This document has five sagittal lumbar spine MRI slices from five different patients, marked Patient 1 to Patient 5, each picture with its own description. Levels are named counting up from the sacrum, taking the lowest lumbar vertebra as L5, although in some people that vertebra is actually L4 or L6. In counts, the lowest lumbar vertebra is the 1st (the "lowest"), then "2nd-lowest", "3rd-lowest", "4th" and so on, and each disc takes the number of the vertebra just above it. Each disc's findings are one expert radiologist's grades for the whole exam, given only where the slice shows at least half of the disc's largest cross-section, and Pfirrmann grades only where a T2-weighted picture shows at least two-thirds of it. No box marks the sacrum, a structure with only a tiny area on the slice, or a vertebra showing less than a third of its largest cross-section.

Patient 1 of 5:
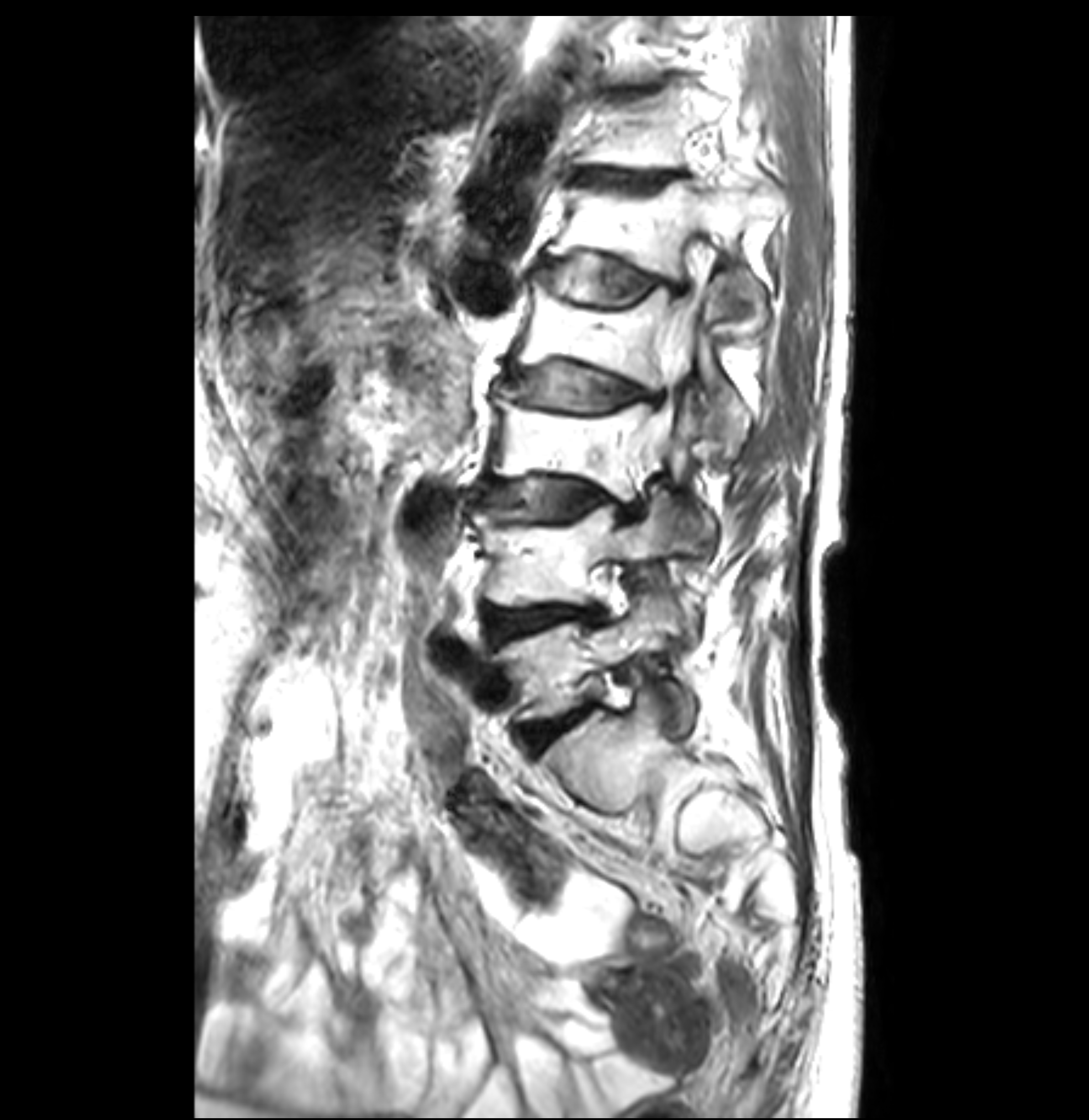
Sagittal T2-weighted lumbar spine MRI

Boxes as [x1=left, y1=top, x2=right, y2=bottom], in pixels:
thecal sac / spinal canal: [x1=635, y1=238, x2=705, y2=474]
L4: [x1=472, y1=502, x2=700, y2=647]
L3: [x1=489, y1=389, x2=714, y2=539]
L3/L4: [x1=481, y1=478, x2=642, y2=518]
IVD L2/L3: [x1=508, y1=360, x2=663, y2=407]
IVD L5/S1: [x1=525, y1=712, x2=578, y2=749]
L2: [x1=510, y1=277, x2=748, y2=449]
L5 vertebra: [x1=501, y1=595, x2=692, y2=728]
IVD L1/L2: [x1=540, y1=258, x2=688, y2=305]
T12/L1: [x1=574, y1=169, x2=673, y2=190]
T11/T12: [x1=613, y1=85, x2=656, y2=96]
IVD L4/L5: [x1=484, y1=606, x2=605, y2=637]
T12 vertebra: [x1=574, y1=87, x2=729, y2=169]
L1 vertebra: [x1=547, y1=172, x2=775, y2=337]

Radiological gradings:
• L3/L4: Pfirrmann grade 4, disc bulging, Modic type II, lower-endplate change, upper-endplate change, disc narrowing
• L2/L3: Pfirrmann grade 3, disc bulging, Modic type II, disc narrowing, upper-endplate change, lower-endplate change
• L1/L2: Pfirrmann grade 3, lower-endplate change, upper-endplate change, Modic type II, disc bulging

Patient 2 of 5:
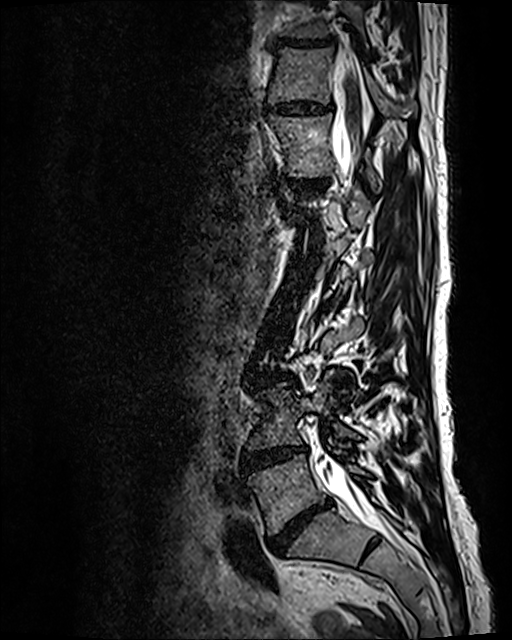 T2 SPACE (3D) sagittal MRI of the lumbar spine.
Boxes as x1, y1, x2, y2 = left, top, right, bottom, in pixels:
{"8th disc": "279, 37, 333, 46", "7th disc": "264, 100, 334, 115", "spinal canal": "314, 48, 408, 554", "6th disc": "288, 179, 325, 189", "lowest disc": "269, 503, 328, 552", "6th vertebra": "269, 114, 378, 185", "3rd-lowest disc": "252, 373, 294, 386", "2nd-lowest vertebra": "247, 371, 404, 450", "2nd-lowest disc": "241, 447, 305, 472", "lowest vertebra": "248, 454, 369, 534", "7th vertebra": "269, 47, 416, 116"}

Degenerative findings by level:
• 8th disc: disc bulging, disc narrowing
• lowest disc: Pfirrmann grade 5, disc bulging, lower-endplate change, disc narrowing, upper-endplate change, Modic type II
• 2nd-lowest disc: Pfirrmann grade 4, Modic type II, disc narrowing, disc bulging
• 7th disc: Pfirrmann grade 3, disc narrowing, disc bulging

Patient 3 of 5:
Lumbar spine MR, T2 SPACE (3D), sagittal | Sex M | Scanner: SIEMENS Avanto_fit (1.5T) | Slice 69/120 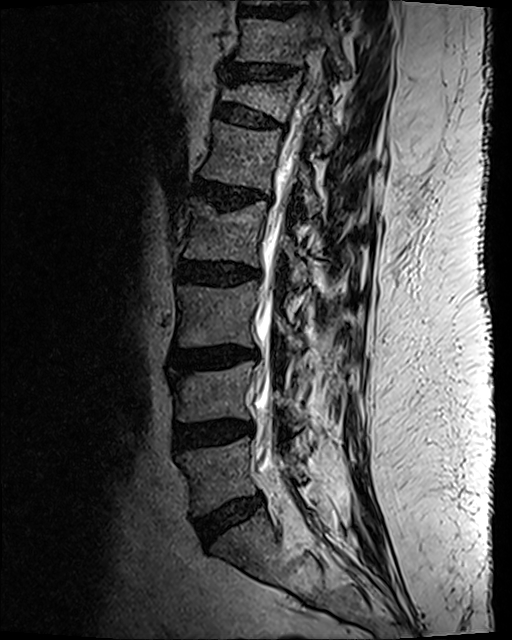
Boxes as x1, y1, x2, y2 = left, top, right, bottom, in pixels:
Annotations:
• L4/L5 at 174, 422, 251, 450
• IVD L3/L4 at 176, 349, 258, 372
• IVD T12/L1 at 214, 103, 280, 129
• IVD T10/T11 at 241, 9, 299, 19
• L4 at 176, 362, 303, 429
• L1 vertebra at 201, 121, 319, 216
• T11/T12 at 228, 65, 296, 81
• L2 at 184, 199, 309, 287
• IVD L5/S1 at 195, 494, 263, 546
• T11 vertebra at 236, 13, 348, 77
• spinal canal at 254, 47, 320, 473
• L5 vertebra at 179, 437, 303, 515
• IVD L1/L2 at 192, 180, 256, 210
• L3 at 177, 282, 303, 357
• T12 vertebra at 222, 74, 338, 151
• IVD L2/L3 at 178, 261, 259, 286

Per-level radiological findings:
  L3/L4: Pfirrmann grade 3, Modic type II, disc bulging, lower-endplate change, upper-endplate change
  L2/L3: Pfirrmann grade 3, disc bulging, lower-endplate change
  L4/L5: Pfirrmann grade 3, disc bulging, disc narrowing
  L1/L2: Pfirrmann grade 3, upper-endplate change, disc bulging, disc narrowing, lower-endplate change, Modic type II
  T11/T12: Pfirrmann grade 2, upper-endplate change, disc narrowing, lower-endplate change, disc bulging
  T12/L1: Pfirrmann grade 2, spondylolisthesis, lower-endplate change, disc bulging, upper-endplate change
  L5/S1: Pfirrmann grade 2, disc bulging

Patient 4 of 5:
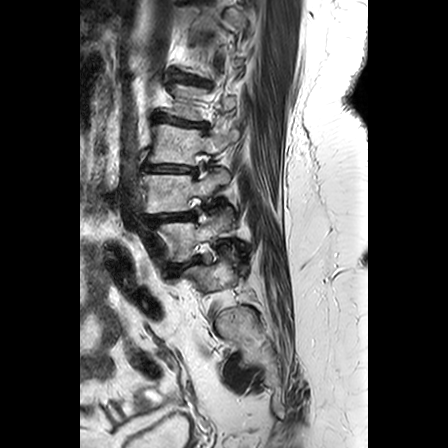 Lumbar spine MR, T2-weighted, sagittal, Slice spacing 3.3 mm, Slice 7/24, Sex F

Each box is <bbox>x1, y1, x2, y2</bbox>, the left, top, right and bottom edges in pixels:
L3/L4 at <bbox>144, 163, 196, 172</bbox>.
Disc L5/S1 at <bbox>170, 255, 199, 271</bbox>.
L3 at <bbox>149, 123, 239, 165</bbox>.
L2 at <bbox>163, 83, 235, 120</bbox>.
L5 vertebra at <bbox>159, 211, 230, 261</bbox>.
L2/L3 at <bbox>153, 113, 206, 129</bbox>.
L4 vertebra at <bbox>143, 168, 230, 213</bbox>.
L1/L2 at <bbox>170, 70, 211, 86</bbox>.
Disc L4/L5 at <bbox>149, 211, 194, 223</bbox>.

Per-level radiological findings:
  L2/L3: Pfirrmann grade 3, Modic type II, disc narrowing, lower-endplate change, disc bulging, upper-endplate change
  L3/L4: Pfirrmann grade 3, upper-endplate change, disc narrowing, disc bulging, lower-endplate change, Modic type II
  L1/L2: Pfirrmann grade 3, disc bulging, lower-endplate change, Modic type II, upper-endplate change, disc narrowing
  L4/L5: Pfirrmann grade 4, disc narrowing, spondylolisthesis, disc bulging

Patient 5 of 5:
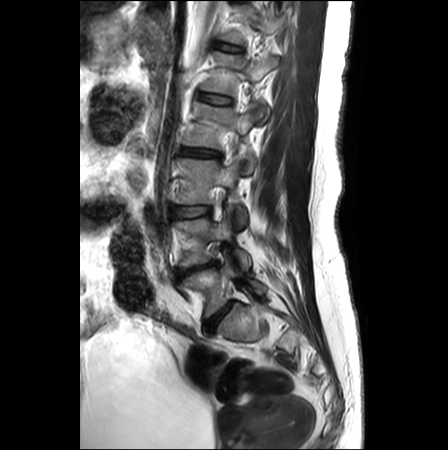 T2-weighted sagittal MRI of the lumbar spine, Slice 9/26

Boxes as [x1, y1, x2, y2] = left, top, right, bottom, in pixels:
Disc T12/L1 at [215, 43, 241, 51], disc L4/L5 at [178, 263, 213, 276], L5 vertebra at [184, 256, 266, 316], L1/L2 at [199, 92, 231, 104], disc L3/L4 at [171, 206, 209, 217], L4 vertebra at [176, 211, 250, 269], L2 at [183, 102, 255, 173], T12 at [221, 5, 284, 45], disc L2/L3 at [181, 148, 219, 157], L3 at [176, 158, 246, 229], L5/S1 at [205, 301, 234, 333], L1 at [201, 52, 278, 124].

Per-level radiological findings:
- L1/L2: Pfirrmann grade 1
- L3/L4: disc bulging
- L2/L3: Pfirrmann grade 3, disc bulging
- L5/S1, T12/L1: no Modic or endplate change, herniation, narrowing, bulging or spondylolisthesis recorded